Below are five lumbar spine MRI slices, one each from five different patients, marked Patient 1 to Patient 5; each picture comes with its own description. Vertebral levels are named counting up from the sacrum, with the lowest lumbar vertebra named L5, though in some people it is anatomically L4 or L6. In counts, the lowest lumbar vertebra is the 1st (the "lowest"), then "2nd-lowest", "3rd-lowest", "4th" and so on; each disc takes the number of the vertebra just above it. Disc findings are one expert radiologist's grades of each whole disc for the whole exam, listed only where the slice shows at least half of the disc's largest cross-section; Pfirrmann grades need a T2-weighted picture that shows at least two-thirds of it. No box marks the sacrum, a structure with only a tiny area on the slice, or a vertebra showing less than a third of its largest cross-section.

Patient 1 of 5:
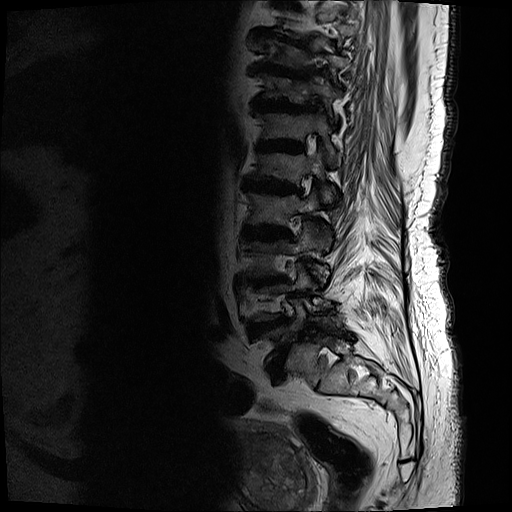
512x512 px | Sagittal T2-weighted lumbar spine MRI | Patient sex: M
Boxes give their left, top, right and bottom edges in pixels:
L4/L5 (2nd-lowest disc): left=250, top=316, right=289, bottom=334
intervertebral disc T12/L1 (6th disc): left=259, top=139, right=306, bottom=154
L2/L3 (4th disc): left=244, top=224, right=292, bottom=241
T11 (7th vertebra): left=269, top=75, right=343, bottom=103
T9/T10 (9th disc): left=255, top=36, right=280, bottom=41
L1 (5th vertebra): left=255, top=142, right=336, bottom=204
intervertebral disc T10/T11 (8th disc): left=255, top=62, right=311, bottom=81
T12 (6th vertebra): left=259, top=112, right=341, bottom=160
T11/T12 (7th disc): left=255, top=97, right=317, bottom=113
L4 (2nd-lowest vertebra): left=253, top=262, right=318, bottom=322
L5 (lowest vertebra): left=259, top=298, right=342, bottom=364
intervertebral disc L3/L4 (3rd-lowest disc): left=253, top=277, right=286, bottom=287
L3 (3rd-lowest vertebra): left=248, top=221, right=330, bottom=286
L5/S1 (lowest disc): left=268, top=350, right=286, bottom=373
L1/L2 (5th disc): left=243, top=178, right=302, bottom=195
L2 (4th vertebra): left=249, top=187, right=325, bottom=225

Degenerative findings by level:
  L2/L3 (4th disc): Pfirrmann grade 5, disc bulging, lower-endplate change, Modic type II, disc narrowing, upper-endplate change
  T11/T12 (7th disc): Pfirrmann grade 5, disc bulging, Modic type II, upper-endplate change, lower-endplate change, disc narrowing
  T12/L1 (6th disc): Pfirrmann grade 5, disc bulging, Modic type II, lower-endplate change, disc narrowing, upper-endplate change
  T10/T11 (8th disc): Pfirrmann grade 5, upper-endplate change, disc bulging, Modic type II, disc narrowing, lower-endplate change
  L1/L2 (5th disc): Pfirrmann grade 5, Modic type II, disc narrowing, lower-endplate change, upper-endplate change, disc bulging

Patient 2 of 5:
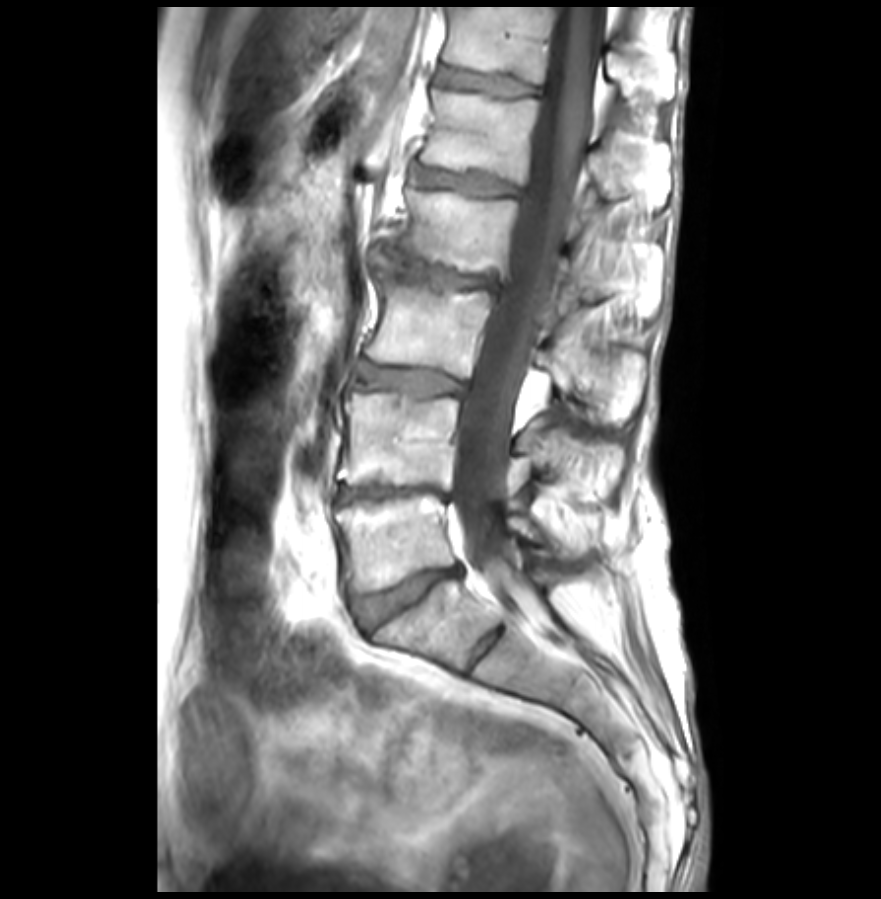

T1-weighted sagittal MRI of the lumbar spine, Image 881x899, Patient sex: F

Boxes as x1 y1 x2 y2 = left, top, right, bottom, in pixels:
L3 vertebra at 368 270 646 416.
Intervertebral disc L4/L5 at 338 483 449 504.
T12 at 445 7 676 99.
L2/L3 at 370 242 503 296.
Intervertebral disc T12/L1 at 437 67 544 95.
L3/L4 at 360 362 463 394.
Intervertebral disc L1/L2 at 417 168 522 195.
Spinal canal at 452 7 605 598.
L2 vertebra at 382 190 595 306.
L4 vertebra at 340 393 624 485.
L5 vertebra at 338 491 544 590.
L5/S1 at 356 569 459 626.
L1 vertebra at 423 90 656 197.

Expert MSK radiologist gradings (per disc):
• L4/L5: disc bulging, disc narrowing, Modic type II
• L3/L4: disc bulging, Modic type II
• T12/L1: lower-endplate change, upper-endplate change
• L1/L2: Modic type II, lower-endplate change, upper-endplate change
• L5/S1: lower-endplate change, disc narrowing, disc bulging, upper-endplate change
• L2/L3: disc bulging, upper-endplate change, disc herniation, lower-endplate change, Modic type II, disc narrowing

Patient 3 of 5:
Scanner: SIEMENS Avanto_fit (1.5T). Lumbar spine MR, T1-weighted, sagittal.

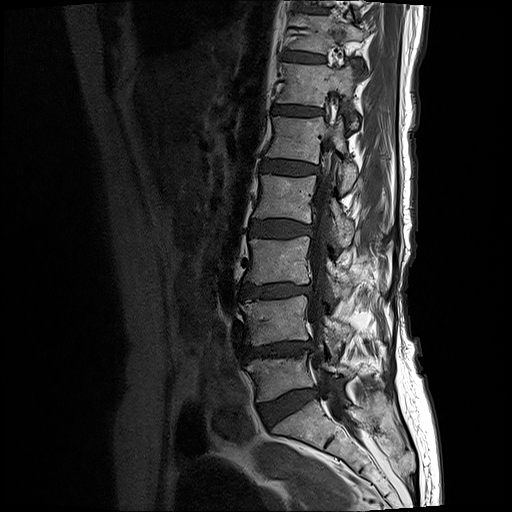 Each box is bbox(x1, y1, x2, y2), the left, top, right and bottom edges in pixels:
L4 (2nd-lowest vertebra) — bbox(240, 295, 354, 345).
L1 (5th vertebra) — bbox(267, 116, 358, 189).
L3 (3rd-lowest vertebra) — bbox(246, 236, 390, 297).
T12/L1 (6th disc) — bbox(273, 106, 322, 116).
T11 (7th vertebra) — bbox(290, 12, 365, 62).
L5/S1 (lowest disc) — bbox(259, 390, 317, 423).
Thecal sac / spinal canal — bbox(308, 122, 354, 433).
L2 (4th vertebra) — bbox(254, 174, 355, 244).
T11/T12 (7th disc) — bbox(285, 51, 325, 62).
T12 (6th vertebra) — bbox(277, 63, 358, 128).
IVD L1/L2 (5th disc) — bbox(263, 160, 318, 175).
L3/L4 (3rd-lowest disc) — bbox(240, 282, 312, 298).
L2/L3 (4th disc) — bbox(253, 219, 312, 237).
T10/T11 (8th disc) — bbox(299, 6, 326, 11).
IVD L4/L5 (2nd-lowest disc) — bbox(245, 341, 314, 359).
L5 (lowest vertebra) — bbox(247, 352, 354, 401).

Radiological gradings:
  T11/T12 (7th disc): upper-endplate change, lower-endplate change, Modic type II
  L3/L4 (3rd-lowest disc): lower-endplate change, Modic type II, upper-endplate change, disc bulging, disc narrowing
  L2/L3 (4th disc): disc bulging, upper-endplate change, lower-endplate change, Modic type II
  T12/L1 (6th disc): lower-endplate change, upper-endplate change, Modic type II
  L1/L2 (5th disc): Modic type II, lower-endplate change, upper-endplate change
  L5/S1 (lowest disc): disc bulging
  L4/L5 (2nd-lowest disc): disc bulging, upper-endplate change, disc narrowing, lower-endplate change, Modic type II

Patient 4 of 5:
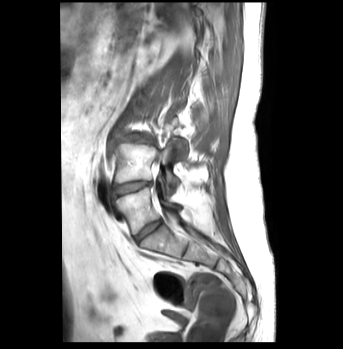 Lumbar spine MR, T1-weighted, sagittal
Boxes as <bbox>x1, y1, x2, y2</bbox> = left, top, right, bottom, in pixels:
• L4 — <bbox>114, 144, 178, 189</bbox>
• disc L4/L5 — <bbox>113, 181, 150, 196</bbox>
• L5/S1 — <bbox>134, 219, 162, 240</bbox>
• disc L3/L4 — <bbox>125, 135, 153, 143</bbox>
• L5 vertebra — <bbox>116, 187, 182, 234</bbox>

Radiological gradings:
- L4/L5: disc bulging, disc narrowing, Modic type II, lower-endplate change
- L5/S1: no spondylolisthesis, narrowing, bulging, herniation, Modic or endplate change recorded

Patient 5 of 5:
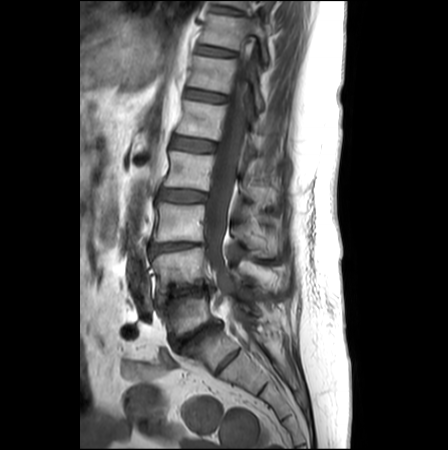 Sagittal T1-weighted lumbar spine MRI. Sagittal slice index 11.

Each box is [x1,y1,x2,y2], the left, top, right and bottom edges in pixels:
Annotations:
- L4/L5 at [157,283,214,305]
- T12 vertebra at [188,56,263,108]
- intervertebral disc L3/L4 at [149,242,206,253]
- L5 vertebra at [159,292,255,339]
- intervertebral disc T12/L1 at [186,90,224,102]
- intervertebral disc L1/L2 at [173,136,214,151]
- L3 vertebra at [154,202,282,256]
- L4 vertebra at [151,247,250,292]
- thecal sac / spinal canal at [205,36,262,357]
- L5/S1 at [173,323,220,351]
- T11/T12 at [197,44,234,56]
- T11 at [201,14,268,60]
- intervertebral disc T10/T11 at [211,4,241,13]
- L1 at [176,100,257,158]
- L2 at [164,151,259,200]
- intervertebral disc L2/L3 at [159,189,206,201]

Per-level radiological findings:
- L4/L5: disc narrowing, disc bulging
- L3/L4: lower-endplate change, upper-endplate change, disc bulging, disc narrowing
- L2/L3: disc bulging
- L5/S1: lower-endplate change, Modic type II, disc narrowing, disc bulging, upper-endplate change
- T11/T12, T10/T11, T12/L1, L1/L2: no spondylolisthesis, narrowing, bulging, herniation, Modic or endplate change recorded